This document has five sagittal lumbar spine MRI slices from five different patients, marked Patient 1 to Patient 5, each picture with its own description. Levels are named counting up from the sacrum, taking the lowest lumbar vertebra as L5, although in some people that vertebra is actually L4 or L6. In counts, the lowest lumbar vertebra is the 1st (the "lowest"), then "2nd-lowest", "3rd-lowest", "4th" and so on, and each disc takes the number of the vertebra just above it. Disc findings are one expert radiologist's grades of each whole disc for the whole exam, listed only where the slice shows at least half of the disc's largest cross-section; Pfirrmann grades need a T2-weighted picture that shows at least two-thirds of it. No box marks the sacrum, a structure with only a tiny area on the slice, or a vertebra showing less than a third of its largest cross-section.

Patient 1 of 5:
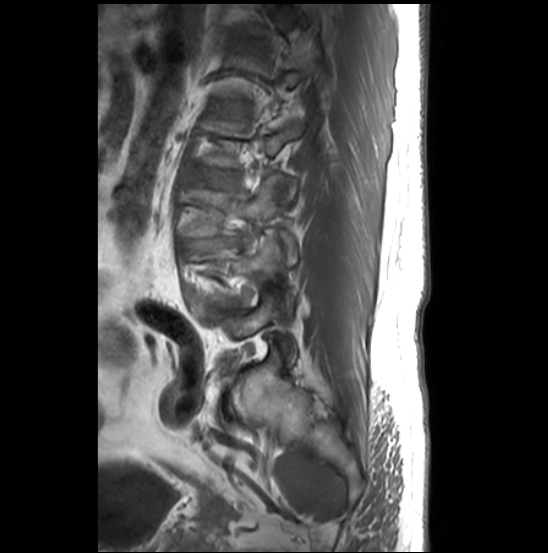

Slice 21 of 27 | MRI lumbar spine (T1-weighted), sagittal plane | Sex M

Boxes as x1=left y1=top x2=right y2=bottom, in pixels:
Annotations:
• L3: x1=179 y1=174 x2=298 y2=264
• disc L3/L4: x1=182 y1=236 x2=241 y2=249
• L2/L3: x1=191 y1=170 x2=236 y2=188

Degenerative findings by level:
  L3/L4: Modic type II, spondylolisthesis, lower-endplate change, upper-endplate change, disc herniation, disc narrowing
  L2/L3: no spondylolisthesis, narrowing, bulging, herniation, Modic or endplate change recorded

Patient 2 of 5:
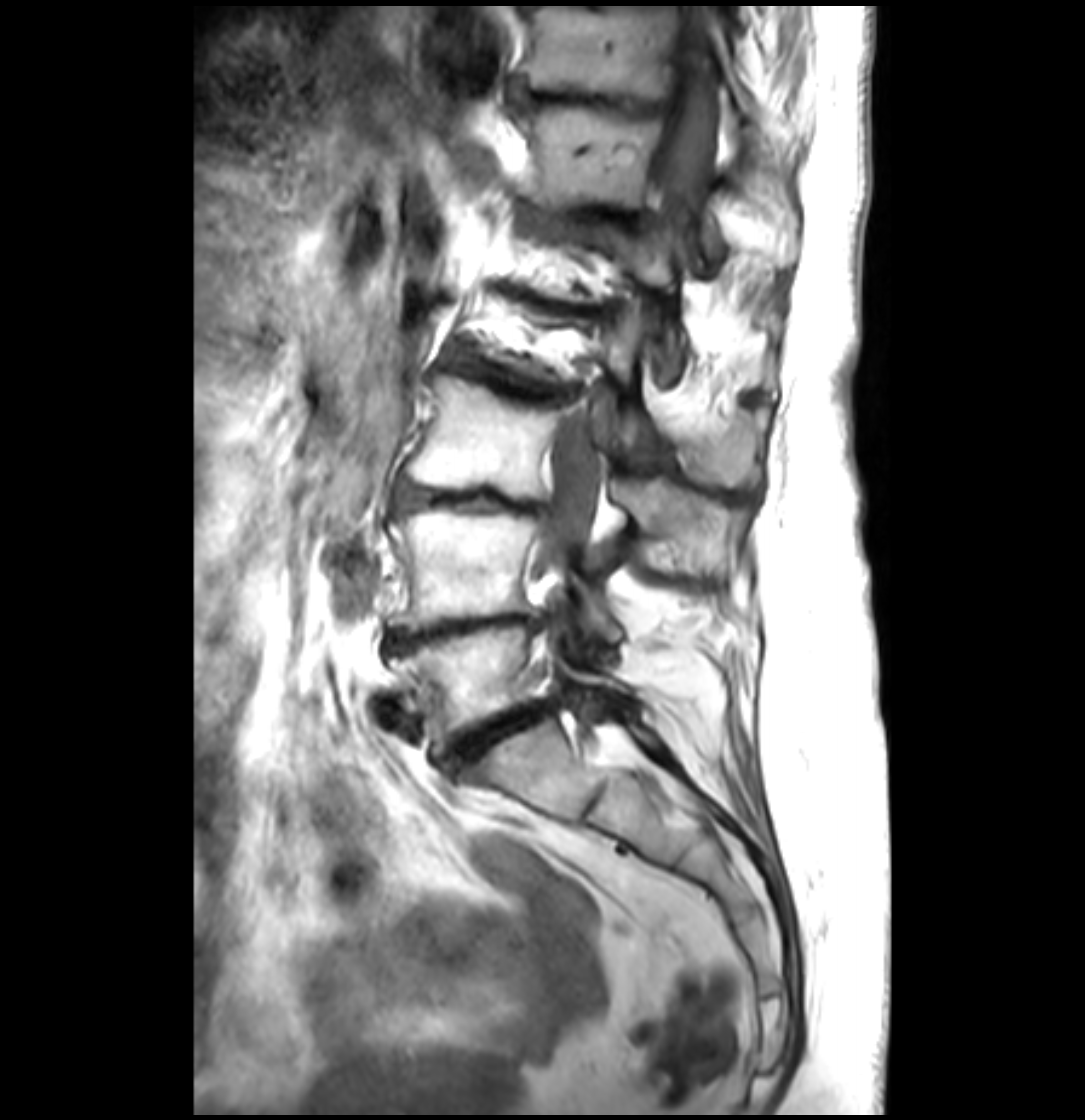

Patient sex: F | Sagittal T1-weighted lumbar spine MRI

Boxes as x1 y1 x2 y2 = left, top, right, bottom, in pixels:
Structures:
- disc L2/L3: 467 360 576 400
- T11/T12: 506 77 670 117
- L4/L5: 387 614 547 648
- disc L3/L4: 400 488 549 517
- L5: 390 623 617 755
- T12 vertebra: 516 100 797 266
- L4 vertebra: 387 506 620 637
- L3: 409 376 743 571
- thecal sac / spinal canal: 540 36 721 581
- T11 vertebra: 521 11 758 116
- L5/S1: 443 701 557 769
- L1/L2: 516 290 598 314

Per-level radiological findings:
  L5/S1: disc herniation, Modic type II, upper-endplate change, lower-endplate change, disc bulging, disc narrowing
  T11/T12: lower-endplate change, disc narrowing, disc bulging, upper-endplate change, Modic type II
  L3/L4: Modic type II, disc bulging, disc narrowing, upper-endplate change, lower-endplate change
  L4/L5: upper-endplate change, Modic type II, disc bulging, lower-endplate change, disc narrowing

Patient 3 of 5:
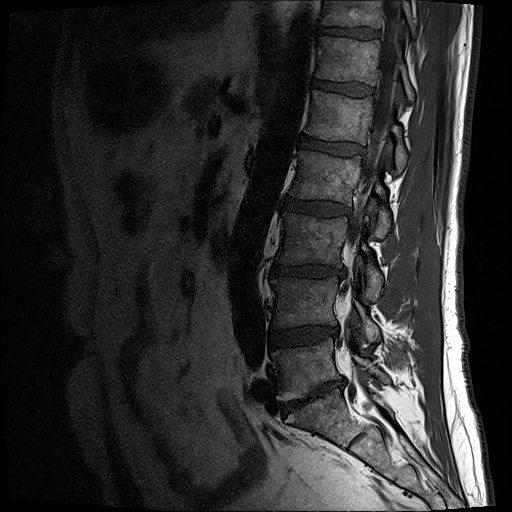 Image 512x512. T1-weighted sagittal MRI of the lumbar spine.
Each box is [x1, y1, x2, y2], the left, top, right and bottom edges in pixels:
IVD L5/S1 at [281, 380, 342, 414], thecal sac / spinal canal at [344, 1, 401, 305], L4 at [271, 278, 379, 341], L5 at [272, 339, 389, 401], L3 at [277, 212, 382, 299], T11/T12 at [316, 27, 378, 40], L1/L2 at [298, 136, 363, 156], L2 vertebra at [290, 150, 390, 237], L3/L4 at [270, 265, 343, 277], L4/L5 at [270, 326, 338, 346], L1 at [306, 90, 406, 172], IVD L2/L3 at [286, 198, 350, 217], T12 vertebra at [316, 37, 414, 101], T11 vertebra at [319, 0, 417, 41], IVD T12/L1 at [313, 82, 374, 97].

Per-level radiological findings:
  L4/L5: disc narrowing, disc bulging
  L5/S1: disc bulging, disc narrowing, Modic type II
  L2/L3: disc bulging
  L3/L4: disc narrowing, disc bulging, lower-endplate change
  T11/T12, T12/L1, L1/L2: no Modic or endplate change, herniation, narrowing, bulging or spondylolisthesis recorded

Patient 4 of 5:
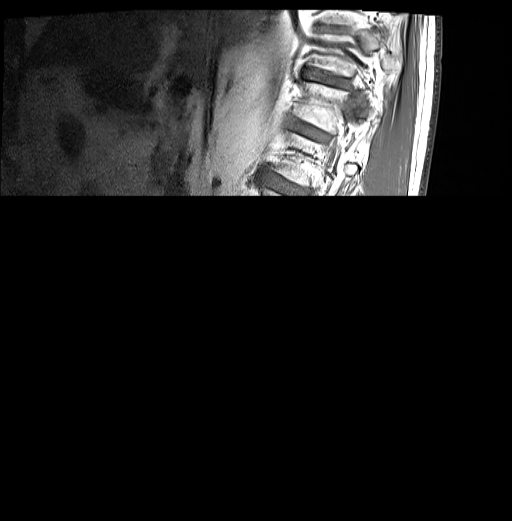
512x521 px, Sagittal T1-weighted lumbar spine MRI

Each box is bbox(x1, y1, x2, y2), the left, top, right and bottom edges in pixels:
{"T11/T12": "bbox(304, 70, 345, 86)", "T12 vertebra": "bbox(295, 82, 348, 132)", "disc T12/L1": "bbox(294, 123, 324, 140)"}

Radiological gradings:
• T11/T12: upper-endplate change, disc bulging, lower-endplate change

Patient 5 of 5:
Slice 10/33, MRI lumbar spine (T2-weighted), sagittal plane, Image 796x800
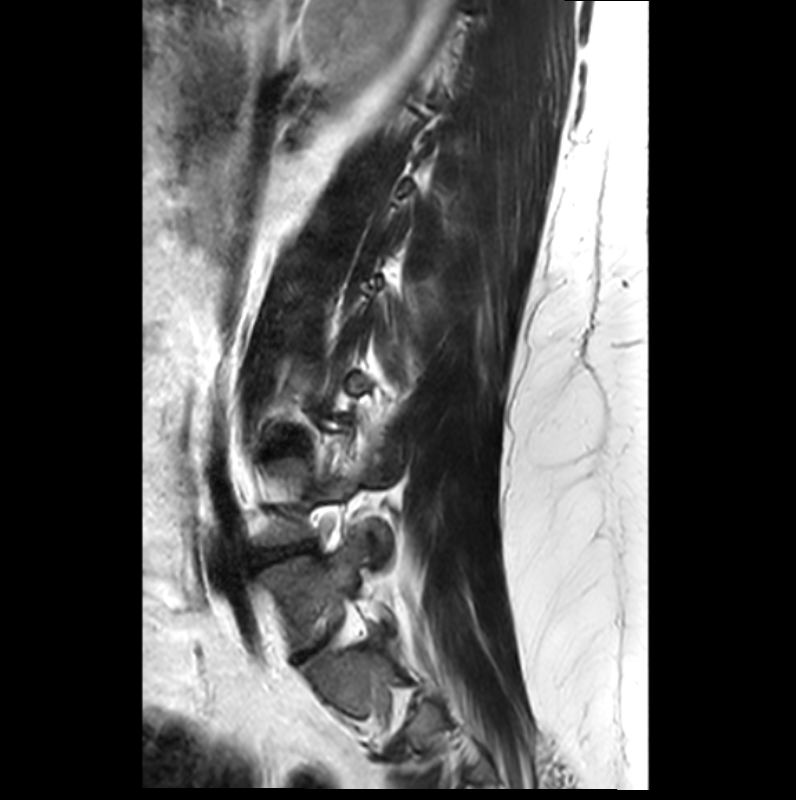 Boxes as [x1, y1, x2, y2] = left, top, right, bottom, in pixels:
Segmented structures:
- disc L4/L5 — [262, 546, 308, 560]
- L5/S1 — [293, 638, 331, 662]
- L5 vertebra — [262, 529, 393, 652]